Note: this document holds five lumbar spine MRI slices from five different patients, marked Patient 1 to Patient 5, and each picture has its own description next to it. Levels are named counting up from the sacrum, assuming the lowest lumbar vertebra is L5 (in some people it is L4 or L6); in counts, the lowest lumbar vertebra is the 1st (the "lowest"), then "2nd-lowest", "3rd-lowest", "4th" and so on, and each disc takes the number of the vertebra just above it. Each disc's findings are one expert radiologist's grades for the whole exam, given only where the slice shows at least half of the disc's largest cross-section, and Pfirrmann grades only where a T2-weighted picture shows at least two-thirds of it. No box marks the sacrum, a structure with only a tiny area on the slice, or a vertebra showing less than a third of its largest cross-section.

Patient 1 of 5:
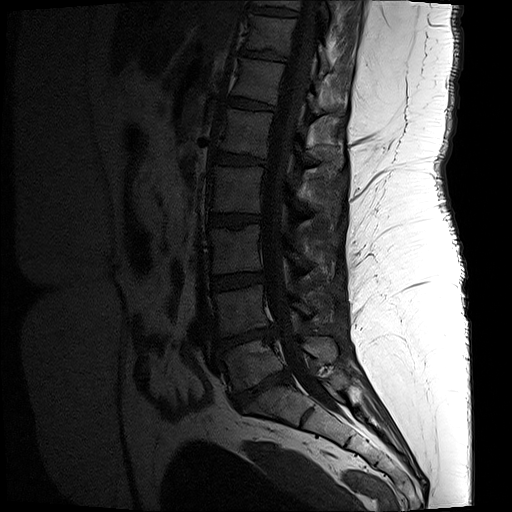 MRI lumbar spine (T1-weighted), sagittal plane.
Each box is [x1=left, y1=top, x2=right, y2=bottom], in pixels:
- T12/L1 (6th disc) at [x1=229, y1=97, x2=273, y2=109]
- L1 (5th vertebra) at [x1=221, y1=108, x2=343, y2=175]
- T11 (7th vertebra) at [x1=246, y1=14, x2=328, y2=72]
- IVD L2/L3 (4th disc) at [x1=209, y1=213, x2=260, y2=226]
- L3 (3rd-lowest vertebra) at [x1=209, y1=224, x2=334, y2=274]
- thecal sac / spinal canal at [x1=261, y1=0, x2=339, y2=412]
- T12 (6th vertebra) at [x1=234, y1=58, x2=320, y2=116]
- L1/L2 (5th disc) at [x1=214, y1=150, x2=265, y2=164]
- T10 (8th vertebra) at [x1=252, y1=0, x2=333, y2=10]
- L2 (4th vertebra) at [x1=211, y1=165, x2=339, y2=219]
- L3/L4 (3rd-lowest disc) at [x1=212, y1=273, x2=264, y2=289]
- T10/T11 (8th disc) at [x1=250, y1=5, x2=297, y2=16]
- IVD L5/S1 (lowest disc) at [x1=233, y1=370, x2=288, y2=409]
- IVD L4/L5 (2nd-lowest disc) at [x1=215, y1=326, x2=277, y2=351]
- L4 (2nd-lowest vertebra) at [x1=214, y1=285, x2=333, y2=336]
- T11/T12 (7th disc) at [x1=241, y1=49, x2=285, y2=61]
- L5 (lowest vertebra) at [x1=218, y1=336, x2=337, y2=392]

Expert MSK radiologist gradings (per disc):
• T11/T12 (7th disc): lower-endplate change
• L4/L5 (2nd-lowest disc): disc narrowing, Modic type II, lower-endplate change, disc herniation, upper-endplate change
• L2/L3 (4th disc): lower-endplate change, upper-endplate change
• L1/L2 (5th disc): lower-endplate change
• L5/S1 (lowest disc): lower-endplate change, disc herniation, disc narrowing, Modic type II, upper-endplate change
• L3/L4 (3rd-lowest disc), T12/L1 (6th disc): no herniation, bulging, narrowing, spondylolisthesis, endplate or Modic change recorded

Patient 2 of 5:
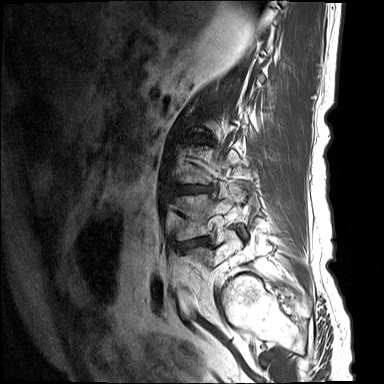
Field of view 280x280 mm, slice spacing 4.4 mm. 384x384 px. Sagittal slice index 14. Patient sex: M. Lumbar spine MR, T1-weighted, sagittal.

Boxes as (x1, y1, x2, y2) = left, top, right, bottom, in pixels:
Segmented structures:
- intervertebral disc L3/L4: (178, 187, 206, 193)
- intervertebral disc L4/L5: (179, 238, 209, 247)
- L5: (186, 229, 242, 267)
- L4 vertebra: (177, 187, 247, 240)

Patient 3 of 5:
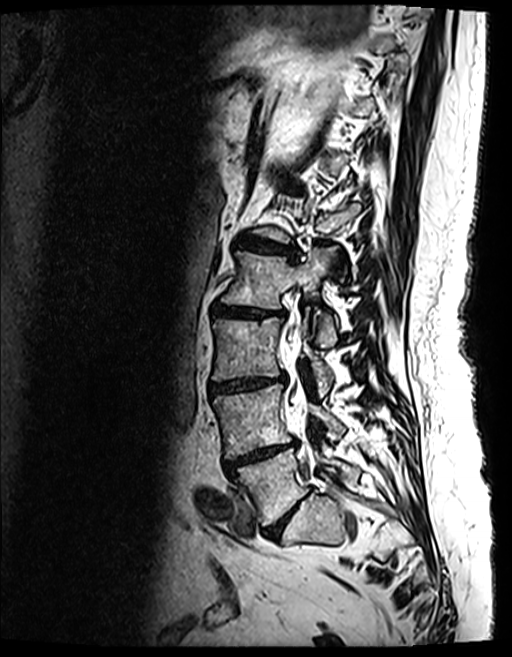
Lumbar spine MR, T2 SPACE (3D), sagittal | Slice 92 of 154 | Image 512x657

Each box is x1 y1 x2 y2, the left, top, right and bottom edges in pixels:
{"L5 vertebra": "235 448 358 525", "intervertebral disc L4/L5": "225 441 298 474", "intervertebral disc L1/L2": "238 239 296 260", "thecal sac / spinal canal": "287 331 307 421", "L4 vertebra": "213 383 343 457", "L2 vertebra": "222 247 338 342", "L3 vertebra": "212 307 332 398", "intervertebral disc L3/L4": "210 375 285 393", "intervertebral disc L5/S1": "263 500 302 537", "intervertebral disc L2/L3": "213 301 286 317"}

Expert MSK radiologist gradings (per disc):
  L3/L4: Pfirrmann grade 4, disc bulging, Modic type II, disc narrowing, lower-endplate change, upper-endplate change
  L1/L2: disc narrowing, lower-endplate change, upper-endplate change, disc bulging, Modic type II
  L2/L3: Pfirrmann grade 4, disc bulging, Modic type II, disc narrowing, lower-endplate change, upper-endplate change
  L4/L5: Pfirrmann grade 5, lower-endplate change, Modic type II, disc narrowing, disc bulging, upper-endplate change

Patient 4 of 5:
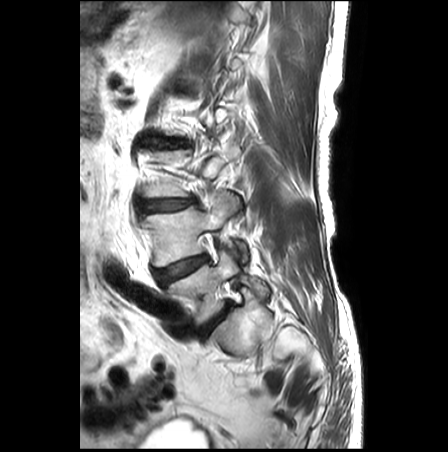 MRI lumbar spine (T2-weighted), sagittal plane.

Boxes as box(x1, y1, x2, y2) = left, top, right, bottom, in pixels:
Annotations:
• L3 (3rd-lowest vertebra) = box(143, 144, 239, 197)
• L4 (2nd-lowest vertebra) = box(145, 194, 247, 266)
• L5/S1 (lowest disc) = box(198, 306, 229, 338)
• L4/L5 (2nd-lowest disc) = box(154, 254, 208, 285)
• disc L3/L4 (3rd-lowest disc) = box(142, 197, 195, 213)
• L5 (lowest vertebra) = box(167, 250, 268, 324)
• L2/L3 (4th disc) = box(148, 136, 186, 148)

Degenerative findings by level:
  L3/L4 (3rd-lowest disc): Pfirrmann grade 3, disc narrowing, disc bulging
  L4/L5 (2nd-lowest disc): Pfirrmann grade 3, disc bulging

Patient 5 of 5:
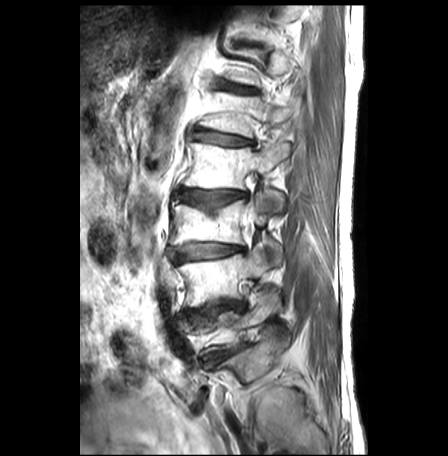 MRI lumbar spine (T2-weighted), sagittal plane, 448x456 px
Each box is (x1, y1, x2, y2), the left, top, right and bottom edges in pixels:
L3 (3rd-lowest vertebra) = (171, 192, 283, 262).
L4 (2nd-lowest vertebra) = (178, 242, 270, 305).
Intervertebral disc L2/L3 (4th disc) = (180, 189, 247, 213).
Spinal canal = (243, 210, 252, 224).
L1 (5th vertebra) = (200, 93, 300, 137).
L2 (4th vertebra) = (185, 140, 290, 210).
L1/L2 (5th disc) = (194, 131, 252, 145).
L3/L4 (3rd-lowest disc) = (168, 242, 242, 263).
Intervertebral disc L4/L5 (2nd-lowest disc) = (200, 302, 244, 318).
T12/L1 (6th disc) = (224, 83, 256, 93).

Per-level radiological findings:
  L1/L2 (5th disc): Pfirrmann grade 3, lower-endplate change, upper-endplate change, disc bulging, Modic type II
  L3/L4 (3rd-lowest disc): Pfirrmann grade 3, upper-endplate change, disc narrowing, lower-endplate change, disc bulging, Modic type II
  L2/L3 (4th disc): Pfirrmann grade 3, Modic type II, upper-endplate change, disc bulging, lower-endplate change, disc narrowing